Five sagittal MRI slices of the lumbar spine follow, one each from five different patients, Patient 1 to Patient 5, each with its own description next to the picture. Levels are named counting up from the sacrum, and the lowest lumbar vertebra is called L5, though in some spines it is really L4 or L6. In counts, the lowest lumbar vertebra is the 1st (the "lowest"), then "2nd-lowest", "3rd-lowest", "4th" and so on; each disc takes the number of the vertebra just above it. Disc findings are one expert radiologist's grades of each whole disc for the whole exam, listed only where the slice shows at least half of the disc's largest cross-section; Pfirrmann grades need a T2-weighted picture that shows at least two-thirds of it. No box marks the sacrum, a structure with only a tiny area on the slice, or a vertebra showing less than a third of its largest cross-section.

Patient 1 of 5:
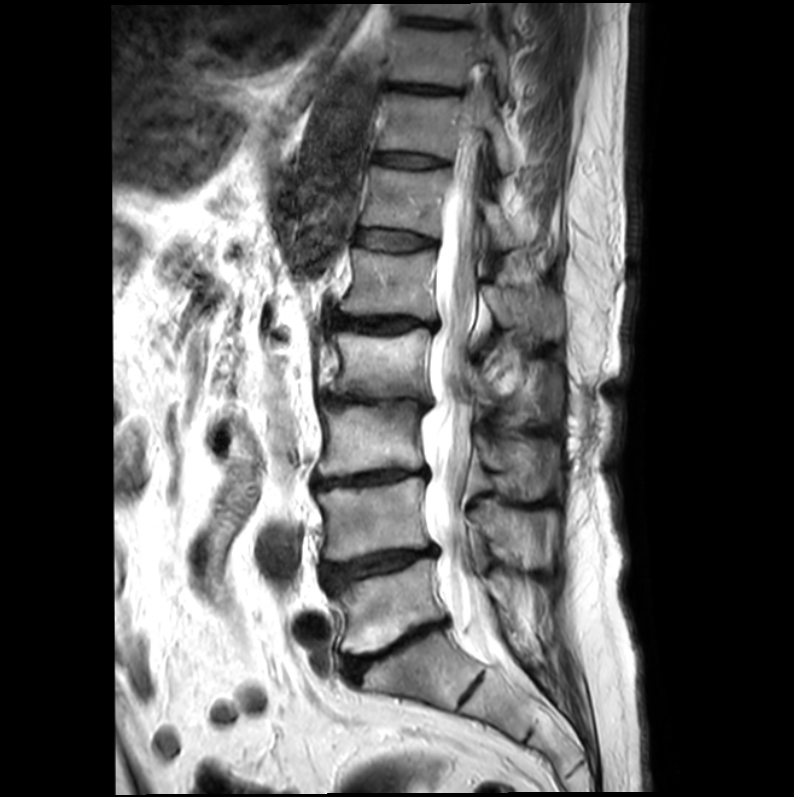 Patient sex: M | Field of view 308x309 mm, slice spacing 4.4 mm | Lumbar spine MR, T2-weighted, sagittal

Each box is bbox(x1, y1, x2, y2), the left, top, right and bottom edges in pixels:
8th vertebra: bbox(390, 27, 507, 93)
lowest disc: bbox(348, 622, 442, 676)
2nd-lowest vertebra: bbox(319, 477, 545, 564)
thecal sac / spinal canal: bbox(421, 131, 510, 662)
3rd-lowest vertebra: bbox(316, 402, 558, 498)
8th disc: bbox(391, 85, 449, 93)
2nd-lowest disc: bbox(321, 546, 435, 590)
4th disc: bbox(321, 393, 427, 410)
7th disc: bbox(375, 153, 443, 168)
3rd-lowest disc: bbox(314, 469, 424, 488)
6th vertebra: bbox(360, 167, 564, 256)
9th disc: bbox(403, 18, 456, 28)
9th vertebra: bbox(404, 2, 512, 20)
lowest vertebra: bbox(332, 557, 505, 652)
4th vertebra: bbox(326, 330, 557, 405)
6th disc: bbox(357, 230, 434, 251)
5th disc: bbox(331, 314, 437, 333)
7th vertebra: bbox(379, 93, 513, 172)
5th vertebra: bbox(340, 248, 564, 340)

Expert MSK radiologist gradings (per disc):
  5th disc: Pfirrmann grade 4, Modic type II, disc bulging, upper-endplate change, lower-endplate change, disc narrowing
  4th disc: disc bulging, lower-endplate change, upper-endplate change, disc narrowing, Modic type II
  2nd-lowest disc: Pfirrmann grade 5, Modic type II, disc narrowing, disc bulging, upper-endplate change, lower-endplate change
  7th disc: Pfirrmann grade 3
  lowest disc: Pfirrmann grade 5, lower-endplate change, upper-endplate change, Modic type II, disc bulging, disc narrowing
  6th disc: Pfirrmann grade 3
  3rd-lowest disc: Pfirrmann grade 5, disc bulging, lower-endplate change, upper-endplate change, disc narrowing, Modic type II
  8th disc, 9th disc: no herniation, bulging, narrowing, spondylolisthesis, endplate or Modic change recorded

Patient 2 of 5:
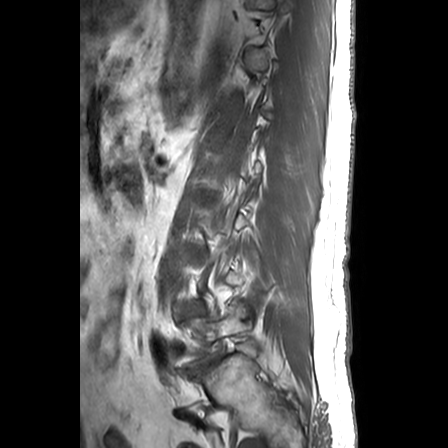

Lumbar spine MR, T1-weighted, sagittal. Sex M. Field of view 280x280 mm, slice spacing 3.3 mm.
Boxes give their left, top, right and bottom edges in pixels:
{"L5": "left=176, top=304, right=246, bottom=366", "L5/S1": "left=187, top=358, right=215, bottom=372"}

Patient 3 of 5:
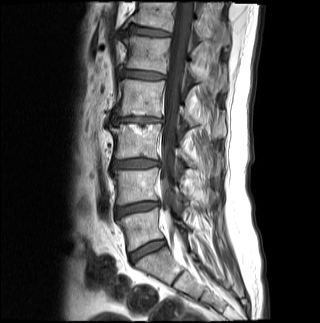
Image 320x323. T1-weighted sagittal MRI of the lumbar spine. Field of view 260x263 mm.

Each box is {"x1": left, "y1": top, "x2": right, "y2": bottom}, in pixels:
intervertebral disc L4/L5: {"x1": 115, "y1": 202, "x2": 159, "y2": 217}
L5: {"x1": 117, "y1": 208, "x2": 188, "y2": 250}
L3 vertebra: {"x1": 109, "y1": 124, "x2": 220, "y2": 167}
spinal canal: {"x1": 160, "y1": 1, "x2": 193, "y2": 204}
L2 vertebra: {"x1": 115, "y1": 79, "x2": 226, "y2": 138}
T12 vertebra: {"x1": 129, "y1": 3, "x2": 229, "y2": 45}
L4: {"x1": 114, "y1": 167, "x2": 190, "y2": 204}
L1: {"x1": 123, "y1": 36, "x2": 225, "y2": 91}
L3/L4: {"x1": 112, "y1": 159, "x2": 159, "y2": 168}
intervertebral disc L2/L3: {"x1": 112, "y1": 116, "x2": 162, "y2": 124}
T12/L1: {"x1": 128, "y1": 25, "x2": 169, "y2": 36}
L5/S1: {"x1": 130, "y1": 241, "x2": 165, "y2": 261}
L1/L2: {"x1": 120, "y1": 70, "x2": 164, "y2": 79}

Radiological gradings:
  L2/L3: lower-endplate change, disc bulging, disc narrowing, upper-endplate change, Modic type II
  L1/L2: upper-endplate change, lower-endplate change
  L3/L4: disc bulging
  L4/L5: disc bulging, lower-endplate change, disc narrowing
  T12/L1, L5/S1: no herniation, bulging, narrowing, spondylolisthesis, endplate or Modic change recorded

Patient 4 of 5:
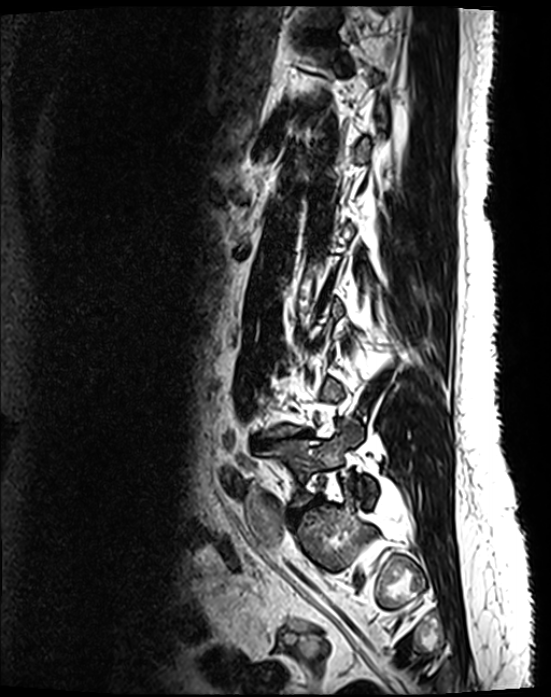

Sagittal T2 SPACE (3D) lumbar spine MRI. Image 551x697.

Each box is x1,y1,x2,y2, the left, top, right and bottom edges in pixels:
Disc L5/S1 (lowest disc) — 288,500,319,518.
L4/L5 (2nd-lowest disc) — 251,430,313,448.
T11/T12 (7th disc) — 301,31,331,39.
T11 (7th vertebra) — 298,5,340,26.
T12/L1 (6th disc) — 298,109,317,113.
L5 (lowest vertebra) — 259,420,376,506.

Patient 5 of 5:
Lumbar spine MR, T1-weighted, sagittal. 384x384 px.

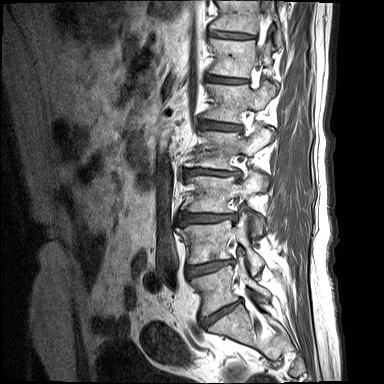 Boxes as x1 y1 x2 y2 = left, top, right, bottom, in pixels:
T12 vertebra — 210 38 273 77.
L2 vertebra — 186 124 273 169.
L5/S1 — 200 300 241 327.
Intervertebral disc L4/L5 — 186 259 233 278.
L3/L4 — 178 212 236 225.
L2/L3 — 184 168 240 179.
L3 — 187 169 267 236.
L5 — 191 259 270 316.
L1 — 202 81 276 122.
T11 — 210 0 283 48.
L1/L2 — 199 119 241 130.
Intervertebral disc T12/L1 — 206 74 246 83.
L4 — 177 212 264 273.
Intervertebral disc T11/T12 — 209 30 253 39.

Expert MSK radiologist gradings (per disc):
• L4/L5: lower-endplate change, Modic type II, disc narrowing, disc bulging
• L5/S1: Modic type II, disc bulging, disc narrowing
• L3/L4: disc narrowing, disc herniation, Modic type II, upper-endplate change, lower-endplate change
• L1/L2: lower-endplate change, disc narrowing, Modic type II, disc bulging
• T11/T12: lower-endplate change, Modic type II, upper-endplate change, disc narrowing
• T12/L1: Modic type II, disc narrowing
• L2/L3: disc herniation, disc narrowing, lower-endplate change, Modic type II